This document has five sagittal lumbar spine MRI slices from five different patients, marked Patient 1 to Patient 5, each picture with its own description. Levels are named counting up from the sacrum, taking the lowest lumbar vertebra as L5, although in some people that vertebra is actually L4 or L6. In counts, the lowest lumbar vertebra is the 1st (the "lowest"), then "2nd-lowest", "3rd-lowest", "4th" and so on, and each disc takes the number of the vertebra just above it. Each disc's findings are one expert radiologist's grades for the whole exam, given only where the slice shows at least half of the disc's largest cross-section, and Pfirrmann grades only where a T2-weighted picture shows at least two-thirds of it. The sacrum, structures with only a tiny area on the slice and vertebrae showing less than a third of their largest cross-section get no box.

Patient 1 of 5:
863x861 px. Sagittal T1-weighted lumbar spine MRI. Field of view 310x309 mm.
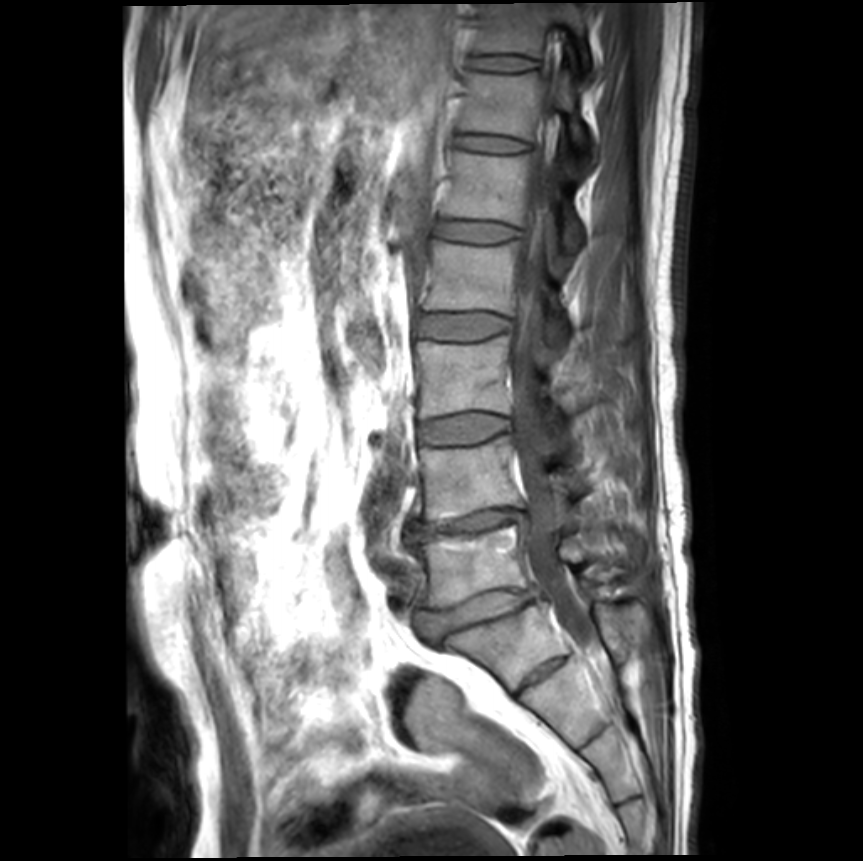 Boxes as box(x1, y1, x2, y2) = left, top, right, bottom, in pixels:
L3/L4: box(418, 413, 510, 444).
Thecal sac / spinal canal: box(512, 162, 592, 641).
Intervertebral disc L4/L5: box(408, 508, 525, 538).
L5: box(410, 525, 617, 608).
T12: box(460, 70, 585, 146).
L5/S1: box(412, 589, 533, 643).
L3 vertebra: box(415, 335, 589, 417).
Intervertebral disc T11/T12: box(469, 55, 535, 70).
T11 vertebra: box(475, 2, 590, 55).
L2/L3: box(417, 313, 510, 339).
T12/L1: box(455, 134, 528, 152).
L1 vertebra: box(440, 151, 582, 248).
L4 vertebra: box(415, 435, 582, 524).
L2 vertebra: box(418, 241, 565, 330).
Intervertebral disc L1/L2: box(435, 219, 518, 242).

Degenerative findings by level:
  L5/S1: upper-endplate change, spondylolisthesis, disc narrowing, disc bulging, lower-endplate change
  L4/L5: disc bulging, disc narrowing, lower-endplate change, Modic type II, upper-endplate change
  L1/L2, L3/L4, L2/L3, T11/T12, T12/L1: no spondylolisthesis, narrowing, bulging, herniation, Modic or endplate change recorded

Patient 2 of 5:
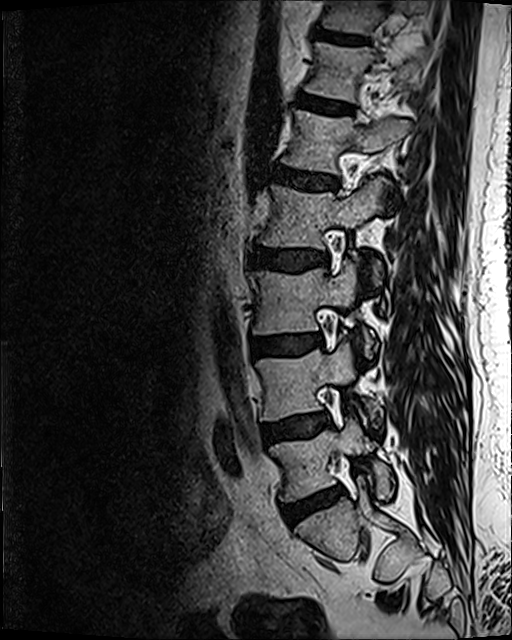 512x640 px | Lumbar spine MR, T2 SPACE (3D), sagittal

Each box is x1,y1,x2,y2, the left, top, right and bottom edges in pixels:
L2/L3 (4th disc): 253,247,326,271
L5/S1 (lowest disc): 283,487,343,526
intervertebral disc L4/L5 (2nd-lowest disc): 260,413,327,445
intervertebral disc L3/L4 (3rd-lowest disc): 252,334,322,355
L2 (4th vertebra): 259,177,384,284
L4 (2nd-lowest vertebra): 256,343,379,421
L1/L2 (5th disc): 275,166,335,189
L5 (lowest vertebra): 271,418,392,500
L3 (3rd-lowest vertebra): 253,260,374,357
T11/T12 (7th disc): 317,30,367,45
L1 (5th vertebra): 282,111,410,173
intervertebral disc T12/L1 (6th disc): 297,96,352,113
T11 (7th vertebra): 318,0,427,35
T12 (6th vertebra): 305,42,428,102

Per-level radiological findings:
  L2/L3 (4th disc): Pfirrmann grade 3, disc bulging
  L1/L2 (5th disc): disc bulging
  L4/L5 (2nd-lowest disc): Pfirrmann grade 2, disc bulging, Modic type II
  L5/S1 (lowest disc): disc bulging, Modic type II, disc narrowing
  L3/L4 (3rd-lowest disc): Pfirrmann grade 2, disc bulging, Modic type II
  T12/L1 (6th disc), T11/T12 (7th disc): no herniation, bulging, narrowing, spondylolisthesis, endplate or Modic change recorded

Patient 3 of 5:
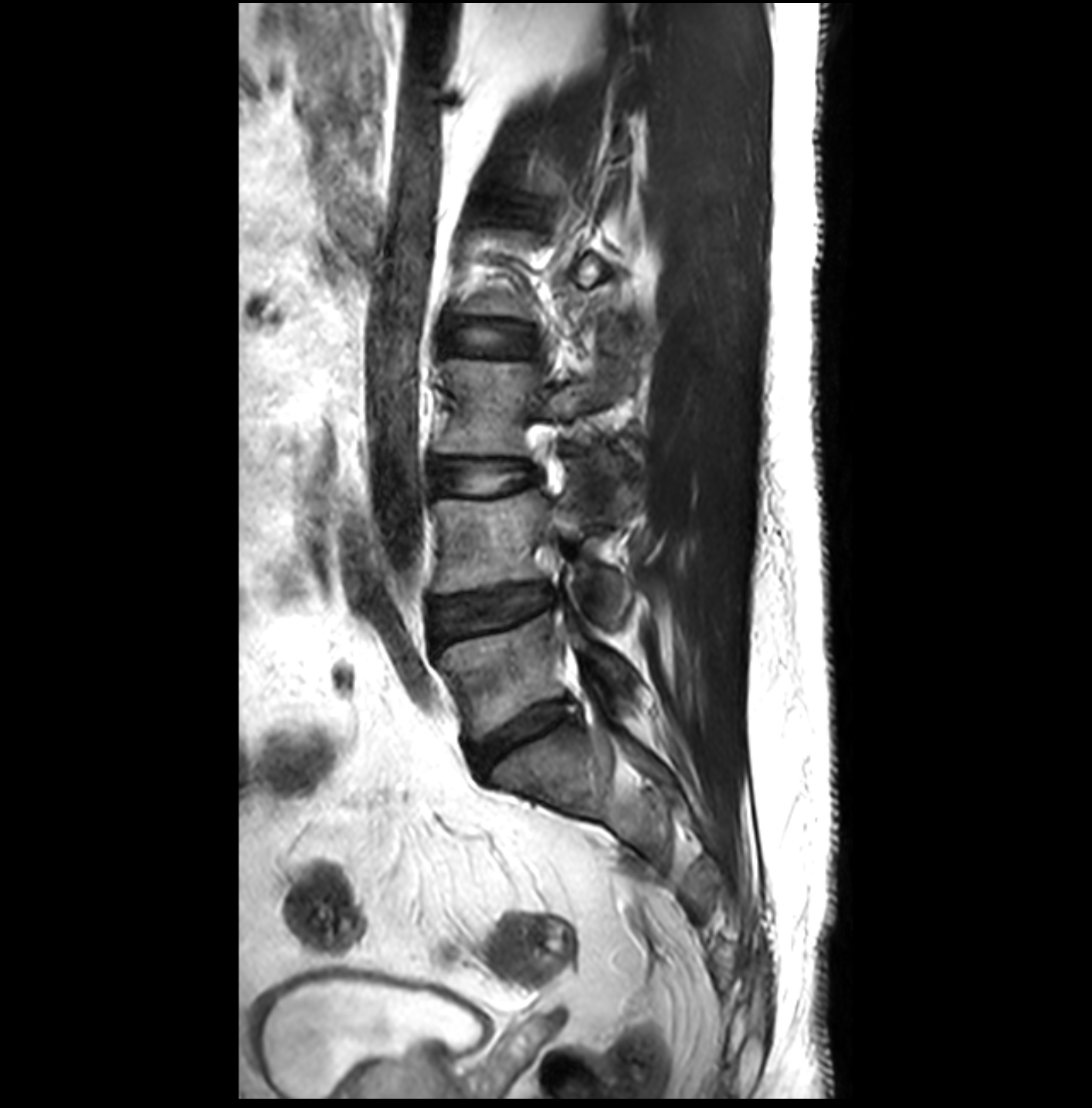 Slice 13/32. MRI lumbar spine (T2-weighted), sagittal plane.
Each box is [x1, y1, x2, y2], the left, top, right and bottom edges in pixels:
L3/L4: [433, 461, 538, 493].
L4: [433, 490, 629, 627].
L4/L5: [432, 584, 550, 643].
Disc L2/L3: [454, 324, 535, 354].
L3 vertebra: [433, 358, 602, 458].
L5/S1: [471, 699, 576, 772].
L5 vertebra: [439, 601, 629, 741].

Expert MSK radiologist gradings (per disc):
• L3/L4: Pfirrmann grade 1
• L5/S1: Pfirrmann grade 3
• L4/L5: Pfirrmann grade 3, disc herniation
• L2/L3: no herniation, bulging, narrowing, spondylolisthesis, endplate or Modic change recorded

Patient 4 of 5:
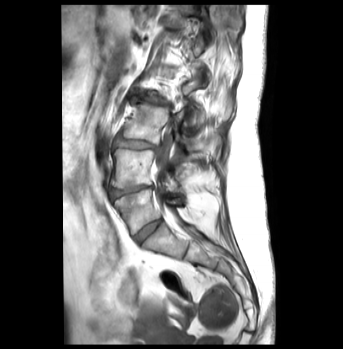
Slice 23 of 43; Lumbar spine MR, T1-weighted, sagittal; Patient sex: F; Image 343x349

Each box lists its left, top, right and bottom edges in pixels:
Annotations:
- T12: left=164, top=5, right=214, bottom=35
- L5/S1: left=134, top=219, right=162, bottom=241
- spinal canal: left=155, top=133, right=171, bottom=208
- L5: left=114, top=190, right=181, bottom=234
- L3 vertebra: left=121, top=105, right=221, bottom=153
- L2 vertebra: left=139, top=69, right=232, bottom=125
- L4/L5: left=109, top=186, right=153, bottom=200
- IVD L3/L4: left=113, top=135, right=156, bottom=149
- L2/L3: left=130, top=90, right=170, bottom=106
- L4 vertebra: left=111, top=148, right=178, bottom=191

Radiological gradings:
- L4/L5: lower-endplate change, disc bulging, disc narrowing, Modic type II
- L3/L4: Modic type II, disc bulging
- L2/L3: Modic type II, disc narrowing, lower-endplate change, disc bulging
- L5/S1: no Modic or endplate change, herniation, narrowing, bulging or spondylolisthesis recorded

Patient 5 of 5:
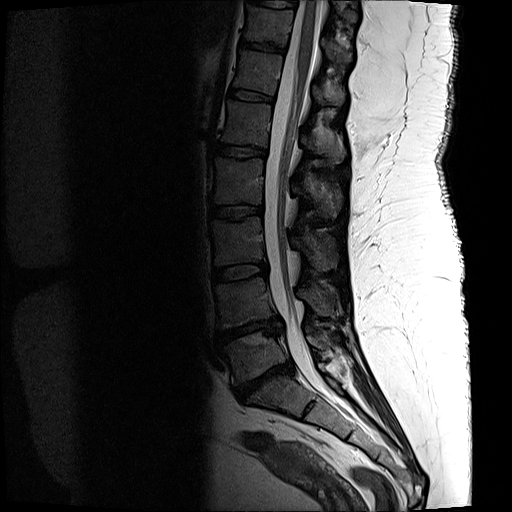 Sagittal T2-weighted lumbar spine MRI. Sex F. Slice 9/17.
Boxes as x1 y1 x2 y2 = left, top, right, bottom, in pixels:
IVD L4/L5: 219 317 282 341 | thecal sac / spinal canal: 264 0 336 401 | IVD L3/L4: 213 263 267 281 | L1 vertebra: 222 100 346 160 | L5 vertebra: 223 327 339 385 | L2/L3: 210 205 262 218 | T12: 234 49 344 106 | T11 vertebra: 244 4 352 63 | L5/S1: 234 361 293 402 | IVD T11/T12: 240 40 284 52 | L3 vertebra: 210 216 339 271 | T12/L1: 229 89 272 101 | L4: 214 277 340 328 | L2 vertebra: 212 157 342 217 | L1/L2: 216 144 265 156

Radiological gradings:
  T11/T12: Pfirrmann grade 3, lower-endplate change
  L4/L5: Pfirrmann grade 5, disc herniation, disc narrowing, lower-endplate change, Modic type II, upper-endplate change
  L5/S1: Pfirrmann grade 5, Modic type II, upper-endplate change, disc herniation, disc narrowing, lower-endplate change
  T12/L1: Pfirrmann grade 3
  L1/L2: Pfirrmann grade 3, lower-endplate change
  L3/L4: Pfirrmann grade 3
  L2/L3: Pfirrmann grade 3, lower-endplate change, upper-endplate change